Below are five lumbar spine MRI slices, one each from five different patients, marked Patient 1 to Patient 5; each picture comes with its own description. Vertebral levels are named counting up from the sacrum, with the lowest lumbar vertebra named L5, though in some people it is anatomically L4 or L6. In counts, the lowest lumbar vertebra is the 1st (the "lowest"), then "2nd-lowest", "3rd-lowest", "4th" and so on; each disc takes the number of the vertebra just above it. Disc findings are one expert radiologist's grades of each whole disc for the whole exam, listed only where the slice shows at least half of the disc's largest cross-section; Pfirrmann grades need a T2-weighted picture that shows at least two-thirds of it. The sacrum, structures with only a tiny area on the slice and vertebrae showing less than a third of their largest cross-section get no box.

Patient 1 of 5:
Slice 17/26; Lumbar spine MR, T1-weighted, sagittal; Philips Healthcare Ingenia (3T)
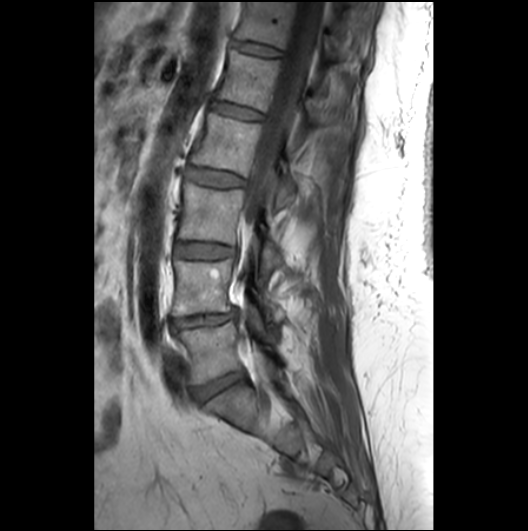 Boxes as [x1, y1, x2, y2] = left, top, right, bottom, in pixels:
6th vertebra: [234, 1, 369, 63]
3rd-lowest vertebra: [178, 183, 280, 275]
4th vertebra: [191, 113, 298, 207]
5th vertebra: [216, 48, 332, 123]
thecal sac / spinal canal: [239, 2, 322, 344]
lowest disc: [195, 370, 245, 401]
lowest vertebra: [177, 321, 275, 382]
2nd-lowest disc: [172, 310, 237, 330]
5th disc: [210, 100, 263, 120]
4th disc: [186, 167, 245, 187]
6th disc: [232, 40, 282, 55]
3rd-lowest disc: [177, 243, 236, 258]
2nd-lowest vertebra: [172, 259, 282, 326]

Per-level radiological findings:
- 2nd-lowest disc: disc herniation, disc narrowing
- 3rd-lowest disc, 6th disc, 4th disc, 5th disc, lowest disc: no spondylolisthesis, narrowing, bulging, herniation, Modic or endplate change recorded

Patient 2 of 5:
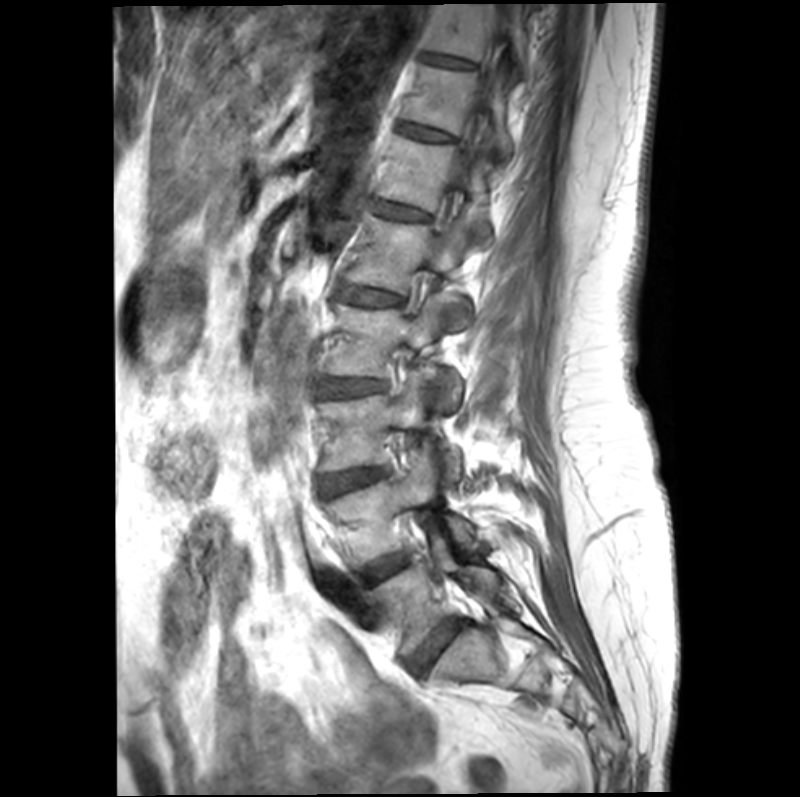 Field of view 310x309 mm, slice spacing 4.4 mm; Sagittal slice index 13; Sex F; Lumbar spine MR, T1-weighted, sagittal

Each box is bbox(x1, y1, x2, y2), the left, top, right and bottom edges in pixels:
{"L1/L2": "bbox(340, 285, 402, 305)", "L1": "bbox(346, 207, 478, 326)", "T10/T11": "bbox(421, 52, 474, 67)", "T12/L1": "bbox(372, 201, 428, 219)", "L3/L4": "bbox(319, 467, 387, 496)", "IVD T11/T12": "bbox(400, 124, 452, 140)", "T10 vertebra": "bbox(419, 4, 527, 69)", "L4/L5": "bbox(349, 553, 409, 596)", "L3": "bbox(317, 368, 461, 480)", "T12 vertebra": "bbox(377, 134, 490, 237)", "T11 vertebra": "bbox(401, 65, 513, 157)", "L5": "bbox(367, 535, 491, 657)", "L2/L3": "bbox(317, 378, 386, 397)", "L2": "bbox(325, 295, 461, 409)", "L4": "bbox(328, 444, 475, 566)", "spinal canal": "bbox(445, 18, 513, 224)", "IVD L5/S1": "bbox(408, 618, 462, 675)"}

Degenerative findings by level:
  L1/L2: upper-endplate change, Modic type II, lower-endplate change
  T12/L1: Modic type II
  L3/L4: upper-endplate change, Modic type II, lower-endplate change, disc bulging, disc narrowing
  L2/L3: lower-endplate change, upper-endplate change, Modic type II, disc bulging
  L5/S1: Modic type II
  L4/L5: Modic type II
  T11/T12, T10/T11: no spondylolisthesis, narrowing, bulging, herniation, Modic or endplate change recorded

Patient 3 of 5:
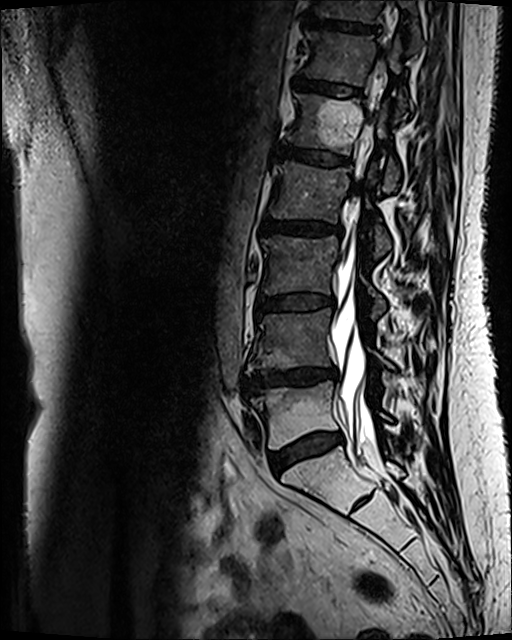 MRI lumbar spine (T2 SPACE (3D)), sagittal plane; Slice 55/120; Field of view 240x300 mm, slice spacing 0.9 mm
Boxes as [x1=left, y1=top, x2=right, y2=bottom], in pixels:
Annotations:
• 7th vertebra = [x1=312, y1=0, x2=421, y2=50]
• lowest vertebra = [x1=251, y1=381, x2=390, y2=448]
• 5th disc = [x1=281, y1=147, x2=348, y2=166]
• 4th vertebra = [x1=270, y1=163, x2=390, y2=258]
• 3rd-lowest disc = [x1=257, y1=296, x2=333, y2=312]
• 7th disc = [x1=306, y1=17, x2=375, y2=32]
• 3rd-lowest vertebra = [x1=261, y1=235, x2=385, y2=317]
• lowest disc = [x1=270, y1=433, x2=343, y2=473]
• 2nd-lowest disc = [x1=242, y1=368, x2=336, y2=394]
• 5th vertebra = [x1=286, y1=93, x2=399, y2=191]
• 2nd-lowest vertebra = [x1=246, y1=308, x2=389, y2=373]
• thecal sac / spinal canal = [x1=332, y1=61, x2=383, y2=442]
• 6th vertebra = [x1=304, y1=32, x2=406, y2=117]
• 4th disc = [x1=261, y1=217, x2=342, y2=235]
• 6th disc = [x1=293, y1=77, x2=360, y2=97]

Radiological gradings:
  lowest disc: Pfirrmann grade 3, disc bulging, Modic type II
  2nd-lowest disc: Pfirrmann grade 4, disc narrowing, Modic type II, disc bulging, upper-endplate change, lower-endplate change
  7th disc: Pfirrmann grade 4, Modic type II, lower-endplate change, upper-endplate change
  5th disc: Pfirrmann grade 3, Modic type II
  4th disc: Pfirrmann grade 3, Modic type II, disc bulging
  6th disc: Pfirrmann grade 3, Modic type II
  3rd-lowest disc: Pfirrmann grade 3, disc bulging, Modic type II

Patient 4 of 5:
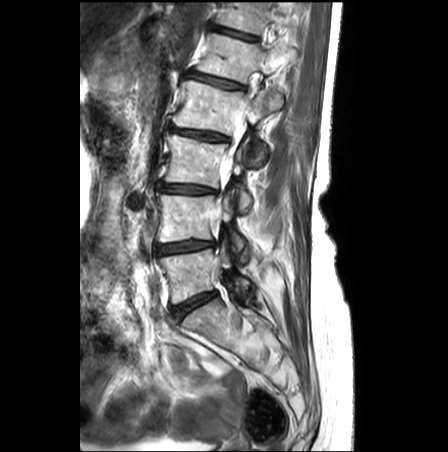 Lumbar spine MR, T2-weighted, sagittal, Patient sex: F, Slice 11/27
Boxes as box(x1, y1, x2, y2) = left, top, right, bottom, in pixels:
T12 vertebra at box(219, 2, 292, 33); L2 at box(173, 80, 282, 166); L4 vertebra at box(157, 192, 246, 252); L1 vertebra at box(197, 33, 296, 83); spinal canal at box(222, 115, 245, 175); L5 at box(160, 226, 253, 304); intervertebral disc L4/L5 at box(157, 241, 213, 254); L3/L4 at box(159, 183, 215, 193); L1/L2 at box(187, 71, 243, 89); T12/L1 at box(217, 27, 256, 39); intervertebral disc L5/S1 at box(172, 292, 215, 318); L3 vertebra at box(165, 133, 251, 210); intervertebral disc L2/L3 at box(171, 126, 227, 141).

Radiological gradings:
- L3/L4: Pfirrmann grade 3, disc bulging, lower-endplate change, upper-endplate change, disc narrowing, Modic type II
- L1/L2: Pfirrmann grade 3, lower-endplate change, disc bulging, upper-endplate change
- L2/L3: Pfirrmann grade 3, lower-endplate change, disc bulging, Modic type II, upper-endplate change, disc narrowing
- T12/L1: Pfirrmann grade 3, upper-endplate change, lower-endplate change
- L4/L5: Pfirrmann grade 3, disc narrowing, Modic type II, lower-endplate change, disc bulging, upper-endplate change
- L5/S1: no spondylolisthesis, narrowing, bulging, herniation, Modic or endplate change recorded

Patient 5 of 5:
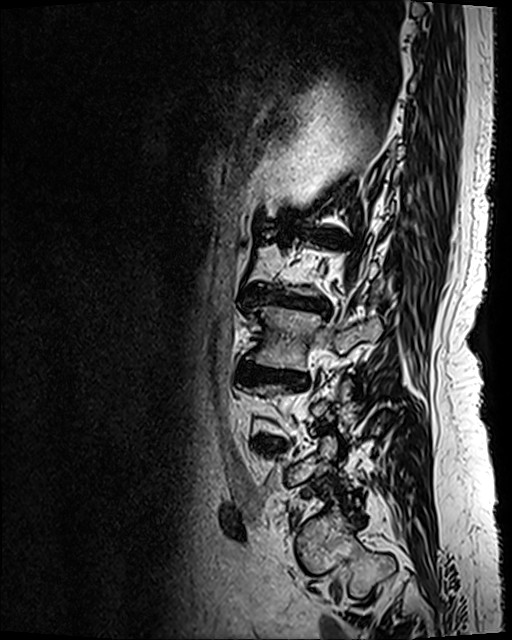 Slice 89 of 120 | MRI lumbar spine (T2 SPACE (3D)), sagittal plane

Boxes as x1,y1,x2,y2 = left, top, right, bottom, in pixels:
IVD L2/L3 — 250,288,328,315 | L3 — 249,306,382,370 | L3/L4 — 238,367,305,386 | L1/L2 — 306,231,332,240

Per-level radiological findings:
  L3/L4: Pfirrmann grade 5, disc narrowing, upper-endplate change, Modic type II, lower-endplate change, disc bulging
  L2/L3: Pfirrmann grade 5, lower-endplate change, upper-endplate change, disc narrowing, Modic type II, disc bulging